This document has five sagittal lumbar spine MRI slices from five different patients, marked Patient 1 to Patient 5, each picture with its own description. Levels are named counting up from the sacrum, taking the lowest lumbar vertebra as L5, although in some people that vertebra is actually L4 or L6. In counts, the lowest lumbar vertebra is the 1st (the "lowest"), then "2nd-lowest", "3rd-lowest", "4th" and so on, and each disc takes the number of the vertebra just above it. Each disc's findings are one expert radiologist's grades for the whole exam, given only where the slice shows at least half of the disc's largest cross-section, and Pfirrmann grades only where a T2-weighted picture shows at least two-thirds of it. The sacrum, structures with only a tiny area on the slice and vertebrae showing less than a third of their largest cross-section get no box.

Patient 1 of 5:
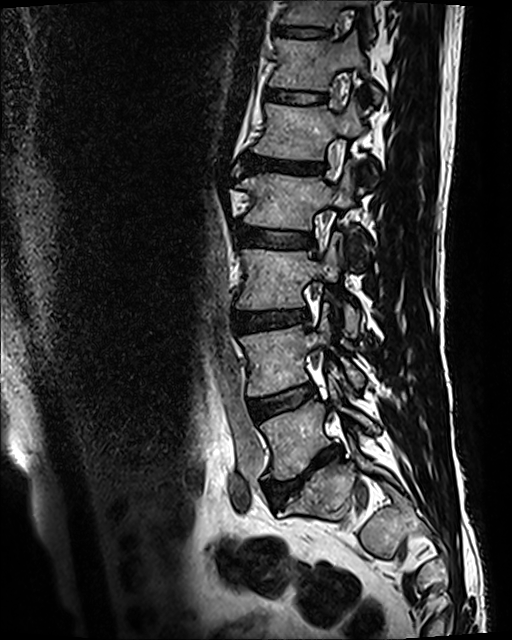 512x640 px. MRI lumbar spine (T2 SPACE (3D)), sagittal plane.
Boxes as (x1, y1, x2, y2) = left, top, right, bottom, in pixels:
4th disc: (236, 224, 314, 248) | lowest vertebra: (261, 380, 379, 479) | 5th vertebra: (253, 98, 363, 160) | 7th disc: (275, 28, 329, 37) | 6th vertebra: (269, 33, 381, 100) | lowest disc: (265, 443, 344, 504) | 2nd-lowest disc: (248, 383, 316, 416) | 7th vertebra: (281, 0, 372, 30) | 6th disc: (267, 88, 326, 104) | 3rd-lowest vertebra: (237, 237, 360, 337) | 3rd-lowest disc: (233, 308, 310, 332) | 4th vertebra: (239, 164, 352, 229) | 5th disc: (243, 153, 323, 176) | 2nd-lowest vertebra: (240, 312, 363, 396)

Radiological gradings:
• lowest disc: Pfirrmann grade 5, Modic type II, upper-endplate change, disc narrowing, disc bulging, lower-endplate change
• 6th disc: Pfirrmann grade 3
• 5th disc: Pfirrmann grade 5, Modic type II, upper-endplate change, lower-endplate change, disc narrowing, disc bulging
• 4th disc: Pfirrmann grade 3
• 2nd-lowest disc: Modic type II
• 3rd-lowest disc: Pfirrmann grade 3, lower-endplate change, upper-endplate change, disc bulging
• 7th disc: Pfirrmann grade 3, lower-endplate change, upper-endplate change

Patient 2 of 5:
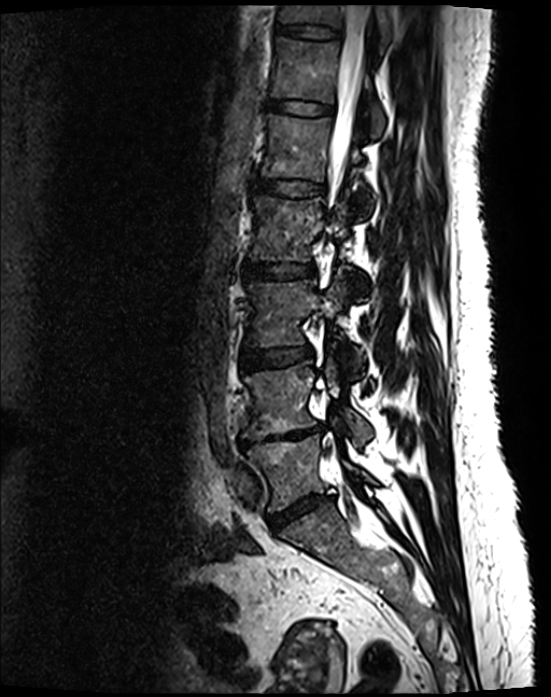 Sagittal T2 SPACE (3D) lumbar spine MRI | Sagittal slice index 81
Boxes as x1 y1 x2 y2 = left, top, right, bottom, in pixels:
T11: 278 5 391 50
L4/L5: 239 424 323 448
IVD L1/L2: 255 177 324 195
IVD T11/T12: 276 24 340 37
L2: 248 195 364 290
L4 vertebra: 242 359 371 445
L2/L3: 242 262 313 279
T12: 271 37 385 137
thecal sac / spinal canal: 329 5 370 189
L3: 247 273 362 367
L3/L4: 241 346 312 370
L1 vertebra: 262 114 373 210
L5: 248 435 375 512
IVD T12/L1: 266 99 333 115
L5/S1: 268 495 333 530

Per-level radiological findings:
  T12/L1: Pfirrmann grade 2
  L5/S1: disc narrowing, disc bulging
  T11/T12: Pfirrmann grade 2
  L1/L2: Pfirrmann grade 2
  L4/L5: Pfirrmann grade 5, disc narrowing, Modic type II, upper-endplate change, disc bulging, lower-endplate change
  L3/L4: Pfirrmann grade 2
  L2/L3: Pfirrmann grade 2

Patient 3 of 5:
Slice 21/25. Slice spacing 3.3 mm. Sex M. Philips Healthcare Ingenia (3T). Lumbar spine MR, T2-weighted, sagittal.
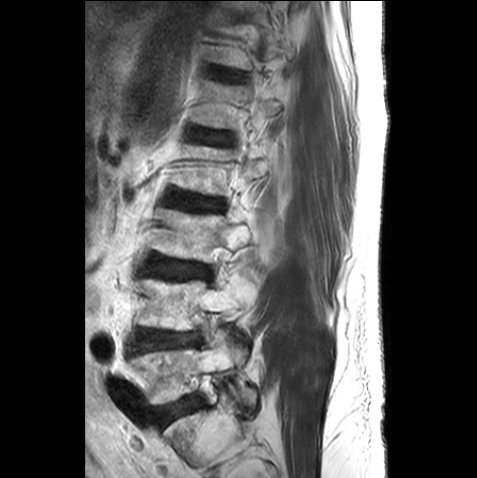 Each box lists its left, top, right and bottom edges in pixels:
Lowest vertebra at left=131, top=333, right=255, bottom=405; 2nd-lowest disc at left=139, top=331, right=200, bottom=348; lowest disc at left=157, top=398, right=192, bottom=423; 2nd-lowest vertebra at left=140, top=278, right=251, bottom=330; 5th disc at left=195, top=128, right=231, bottom=147; 3rd-lowest vertebra at left=154, top=210, right=250, bottom=262; 4th disc at left=174, top=195, right=223, bottom=210; 3rd-lowest disc at left=152, top=260, right=209, bottom=278; 5th vertebra at left=197, top=81, right=281, bottom=128; 4th vertebra at left=176, top=145, right=267, bottom=195.

Patient 4 of 5:
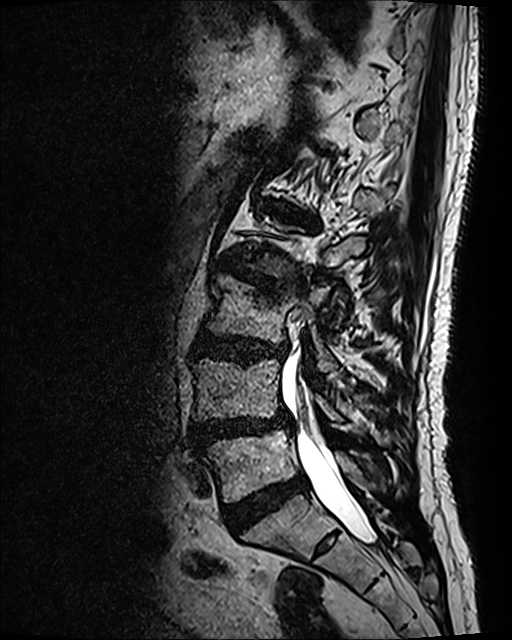 MRI lumbar spine (T2 SPACE (3D)), sagittal plane, Image 512x640, Field of view 240x300 mm, slice spacing 0.9 mm
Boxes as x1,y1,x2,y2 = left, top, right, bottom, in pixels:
L3/L4 at 194,333,286,362 | L3 vertebra at 208,275,336,371 | thecal sac / spinal canal at 281,335,375,543 | disc L1/L2 at 261,200,314,225 | L4 at 193,357,342,422 | L5 vertebra at 200,429,375,501 | L4/L5 at 190,411,291,447 | L2/L3 at 216,261,300,285 | L5/S1 at 224,475,307,527

Per-level radiological findings:
  L1/L2: upper-endplate change, disc bulging, Modic type II, lower-endplate change
  L4/L5: Pfirrmann grade 4, disc bulging, upper-endplate change, lower-endplate change, Modic type II, disc herniation, spondylolisthesis, disc narrowing
  L5/S1: Pfirrmann grade 4
  L3/L4: Pfirrmann grade 4, lower-endplate change, disc bulging, upper-endplate change

Patient 5 of 5:
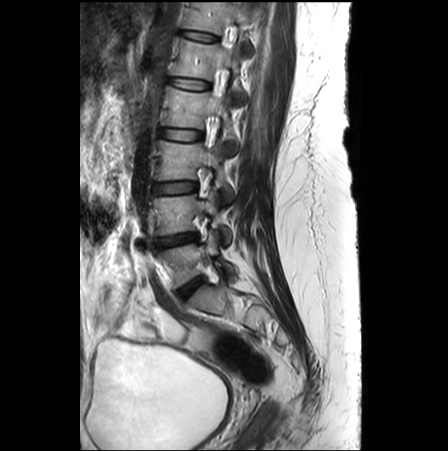 Sagittal T2-weighted lumbar spine MRI, Field of view 280x282 mm, slice spacing 3.3 mm
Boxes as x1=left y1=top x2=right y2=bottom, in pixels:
Lowest vertebra = x1=159 y1=230 x2=234 y2=287.
2nd-lowest disc = x1=156 y1=233 x2=197 y2=248.
6th disc = x1=181 y1=30 x2=217 y2=41.
3rd-lowest disc = x1=153 y1=182 x2=197 y2=194.
5th disc = x1=168 y1=77 x2=209 y2=89.
2nd-lowest vertebra = x1=153 y1=190 x2=231 y2=245.
4th vertebra = x1=162 y1=86 x2=237 y2=152.
6th vertebra = x1=184 y1=2 x2=250 y2=34.
4th disc = x1=160 y1=129 x2=202 y2=140.
Lowest disc = x1=177 y1=276 x2=204 y2=298.
3rd-lowest vertebra = x1=155 y1=140 x2=233 y2=202.
5th vertebra = x1=172 y1=38 x2=248 y2=103.

Radiological gradings:
• 2nd-lowest disc: disc narrowing
• 5th disc: Pfirrmann grade 1, lower-endplate change, upper-endplate change, Modic type II
• 4th disc: Pfirrmann grade 1
• 3rd-lowest disc: Pfirrmann grade 1
• 6th disc: Pfirrmann grade 1